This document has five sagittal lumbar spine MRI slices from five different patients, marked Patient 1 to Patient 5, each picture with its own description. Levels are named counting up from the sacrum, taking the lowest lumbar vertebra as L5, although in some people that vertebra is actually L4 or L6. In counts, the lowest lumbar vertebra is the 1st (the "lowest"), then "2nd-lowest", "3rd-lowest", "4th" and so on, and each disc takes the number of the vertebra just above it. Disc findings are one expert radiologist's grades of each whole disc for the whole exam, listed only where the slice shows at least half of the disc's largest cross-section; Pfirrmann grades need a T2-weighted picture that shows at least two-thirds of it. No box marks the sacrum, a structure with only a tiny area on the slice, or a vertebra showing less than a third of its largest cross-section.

Patient 1 of 5:
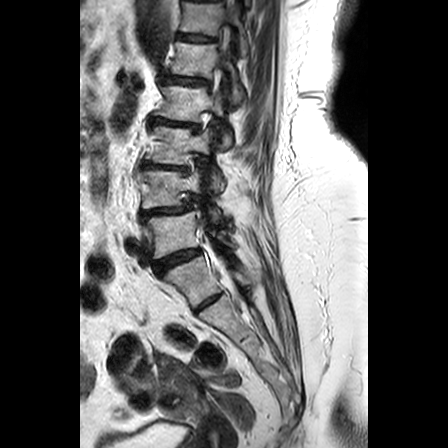
Slice spacing 3.3 mm, Sagittal T2-weighted lumbar spine MRI, Sex F, Slice 16 of 24
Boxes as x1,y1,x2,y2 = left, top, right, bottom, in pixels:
L2 vertebra at 156,85,232,147.
L4 vertebra at 141,170,220,220.
T12/L1 at 178,33,217,42.
L4/L5 at 141,206,190,220.
Disc L2/L3 at 153,118,199,131.
Thecal sac / spinal canal at 221,0,234,281.
L3 vertebra at 146,125,224,192.
T12 at 181,0,249,57.
L5/S1 at 153,250,201,276.
Disc L3/L4 at 143,162,188,172.
L5 vertebra at 148,211,231,259.
L1 vertebra at 171,41,244,103.
L1/L2 at 164,76,209,85.

Radiological gradings:
  L4/L5: Pfirrmann grade 4, spondylolisthesis, disc bulging, disc narrowing
  L5/S1: Pfirrmann grade 4, disc bulging
  L2/L3: Pfirrmann grade 3, lower-endplate change, upper-endplate change, Modic type II, disc bulging, disc narrowing
  L3/L4: Modic type II, disc bulging, upper-endplate change, lower-endplate change, disc narrowing
  L1/L2: Pfirrmann grade 3, disc narrowing, upper-endplate change, disc bulging, lower-endplate change, Modic type II
  T12/L1: Pfirrmann grade 3, Modic type II, upper-endplate change, lower-endplate change

Patient 2 of 5:
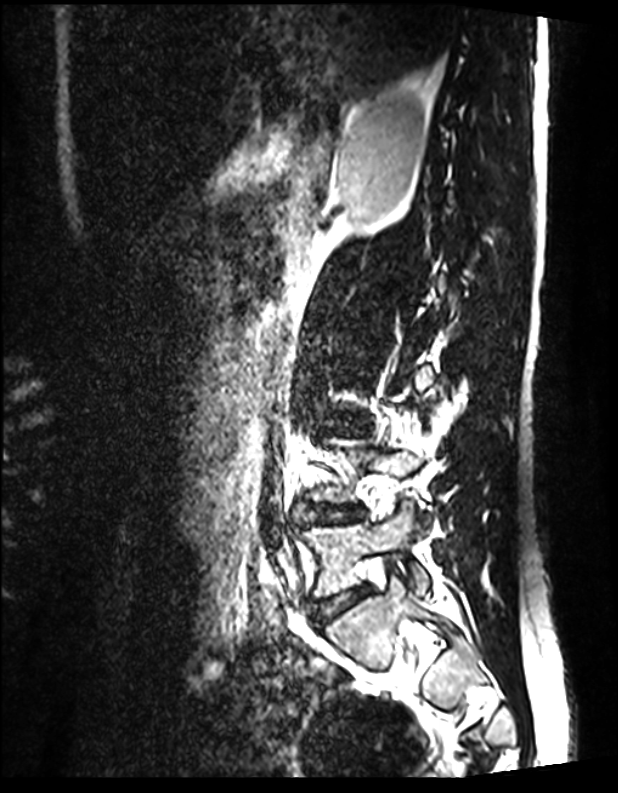 T2 SPACE (3D) sagittal MRI of the lumbar spine

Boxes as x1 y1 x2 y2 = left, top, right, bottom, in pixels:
Structures:
• intervertebral disc L4/L5 (2nd-lowest disc) — 305 504 357 523
• intervertebral disc L5/S1 (lowest disc) — 312 586 370 623
• L5 (lowest vertebra) — 296 504 429 599

Patient 3 of 5:
Image 595x761. Slice 104 of 139. Sagittal T2 SPACE (3D) lumbar spine MRI.
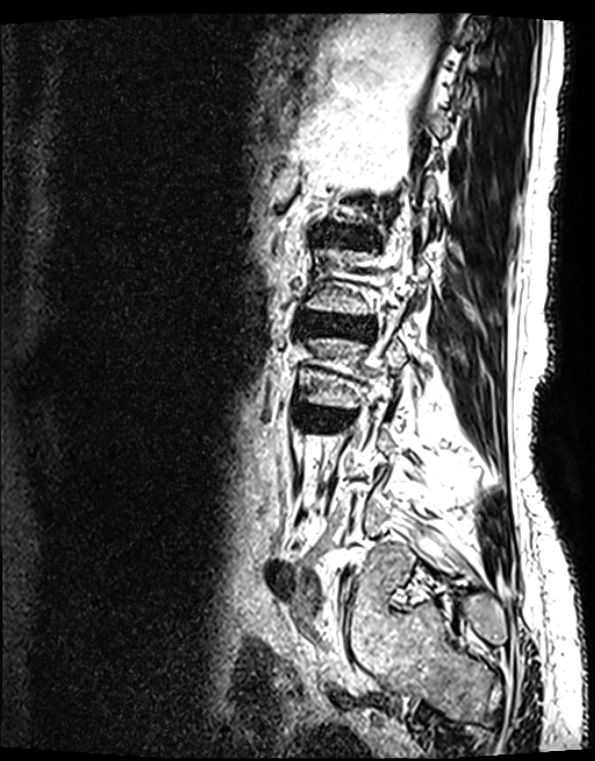 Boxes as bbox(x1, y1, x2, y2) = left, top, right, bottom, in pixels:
4th disc at bbox(295, 317, 371, 334); 4th vertebra at bbox(301, 247, 428, 315); 5th disc at bbox(324, 230, 366, 242); 3rd-lowest vertebra at bbox(298, 330, 436, 407); 3rd-lowest disc at bbox(300, 409, 350, 428).

Expert MSK radiologist gradings (per disc):
• 4th disc: Pfirrmann grade 4, upper-endplate change, Modic type II, disc bulging, lower-endplate change, disc narrowing
• 3rd-lowest disc: upper-endplate change, disc narrowing, lower-endplate change, Modic type II, disc bulging

Patient 4 of 5:
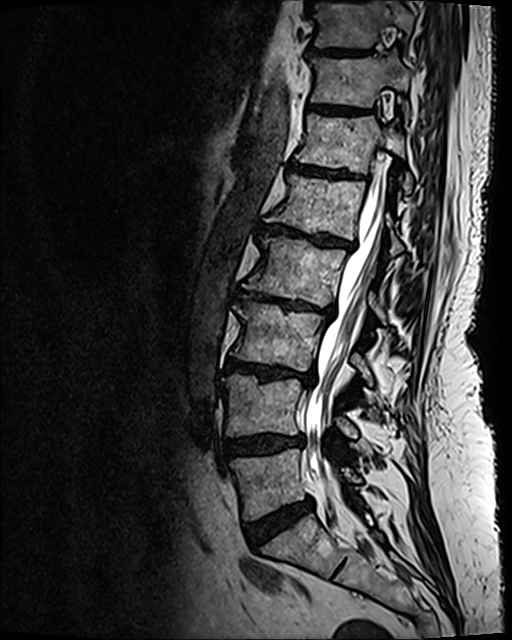 Sagittal T2 SPACE (3D) lumbar spine MRI.
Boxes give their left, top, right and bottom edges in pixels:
Annotations:
- L1 vertebra = left=266, top=175, right=403, bottom=255
- T11 vertebra = left=311, top=54, right=410, bottom=107
- disc L2/L3 = left=236, top=291, right=333, bottom=314
- L3 vertebra = left=232, top=301, right=372, bottom=383
- T12 = left=296, top=114, right=412, bottom=193
- disc L3/L4 = left=225, top=358, right=314, bottom=382
- T10 vertebra = left=315, top=0, right=413, bottom=47
- spinal canal = left=305, top=171, right=385, bottom=504
- T10/T11 = left=310, top=48, right=367, bottom=54
- L1/L2 = left=258, top=225, right=354, bottom=248
- disc L5/S1 = left=244, top=498, right=313, bottom=548
- L5 vertebra = left=230, top=449, right=361, bottom=520
- L4/L5 = left=221, top=434, right=303, bottom=460
- T11/T12 = left=309, top=106, right=353, bottom=113
- L2 = left=243, top=236, right=384, bottom=321
- L4 vertebra = left=222, top=374, right=357, bottom=438
- T12/L1 = left=289, top=161, right=350, bottom=177

Radiological gradings:
- L1/L2: Pfirrmann grade 5, Modic type II, upper-endplate change, disc narrowing, disc bulging, lower-endplate change
- L5/S1: Pfirrmann grade 4, disc bulging
- T11/T12: lower-endplate change, upper-endplate change
- T10/T11: upper-endplate change, lower-endplate change
- L4/L5: Pfirrmann grade 4, lower-endplate change, upper-endplate change, disc bulging
- L3/L4: Pfirrmann grade 5, Modic type II, lower-endplate change, disc bulging, disc narrowing, upper-endplate change
- T12/L1: Pfirrmann grade 4, Modic type II, upper-endplate change, lower-endplate change

Patient 5 of 5:
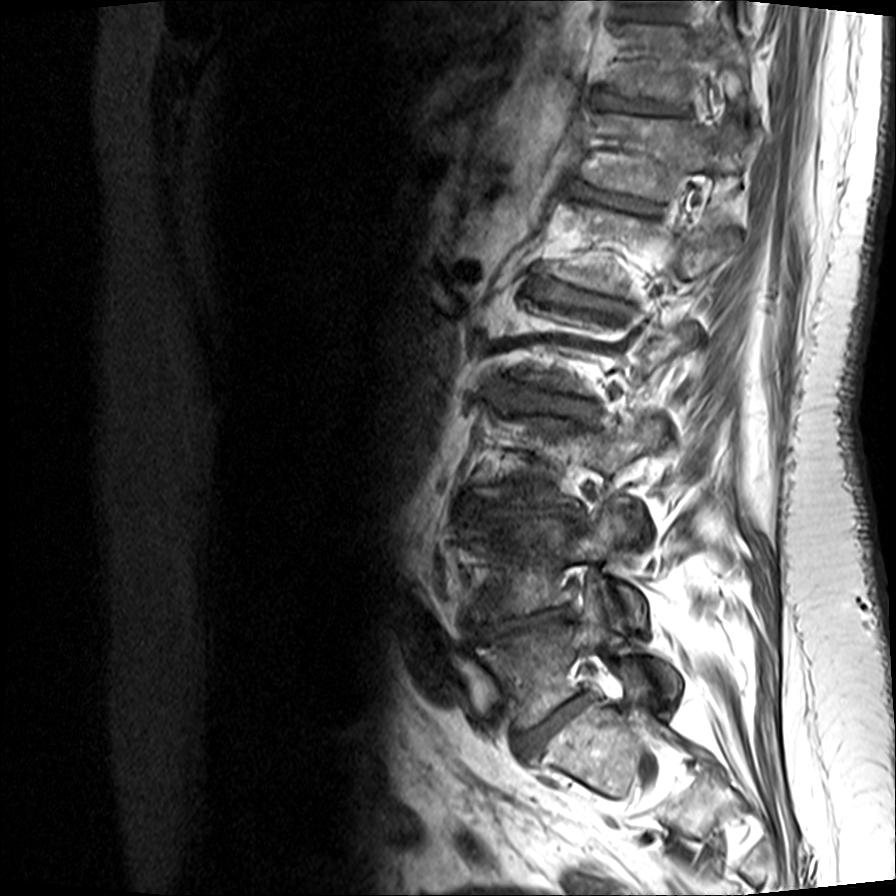 Image 896x896. Slice 12/15. MRI lumbar spine (T1-weighted), sagittal plane.

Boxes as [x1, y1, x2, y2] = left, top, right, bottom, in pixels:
4th disc — [492, 383, 597, 423].
Lowest vertebra — [478, 587, 681, 728].
3rd-lowest vertebra — [476, 416, 666, 530].
Lowest disc — [519, 698, 583, 755].
6th disc — [574, 183, 660, 213].
2nd-lowest disc — [469, 608, 574, 642].
3rd-lowest disc — [459, 498, 583, 521].
6th vertebra — [584, 112, 747, 200].
7th disc — [597, 91, 687, 113].
5th vertebra — [547, 202, 739, 298].
7th vertebra — [611, 22, 750, 102].
5th disc — [532, 277, 627, 315].
2nd-lowest vertebra — [461, 502, 647, 626].

Degenerative findings by level:
  5th disc: upper-endplate change, disc bulging, disc narrowing, Modic type II, lower-endplate change
  6th disc: lower-endplate change, disc narrowing, disc bulging, Modic type II, upper-endplate change
  2nd-lowest disc: disc narrowing, Modic type II, lower-endplate change, disc herniation, upper-endplate change
  lowest disc: lower-endplate change, Modic type II, upper-endplate change, disc bulging, disc narrowing
  3rd-lowest disc: disc herniation, lower-endplate change, Modic type II, upper-endplate change, disc narrowing
  4th disc: Modic type II, lower-endplate change, upper-endplate change, disc narrowing, disc bulging
  7th disc: Modic type II, disc narrowing, upper-endplate change, lower-endplate change